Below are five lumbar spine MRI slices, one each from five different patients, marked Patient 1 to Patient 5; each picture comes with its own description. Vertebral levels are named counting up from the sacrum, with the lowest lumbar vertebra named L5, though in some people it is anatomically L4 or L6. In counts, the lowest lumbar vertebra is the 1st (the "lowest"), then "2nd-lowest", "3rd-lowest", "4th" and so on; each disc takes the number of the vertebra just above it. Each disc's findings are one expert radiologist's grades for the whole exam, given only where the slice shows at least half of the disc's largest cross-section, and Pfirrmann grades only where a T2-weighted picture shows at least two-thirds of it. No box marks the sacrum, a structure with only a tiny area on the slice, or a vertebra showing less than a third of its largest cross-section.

Patient 1 of 5:
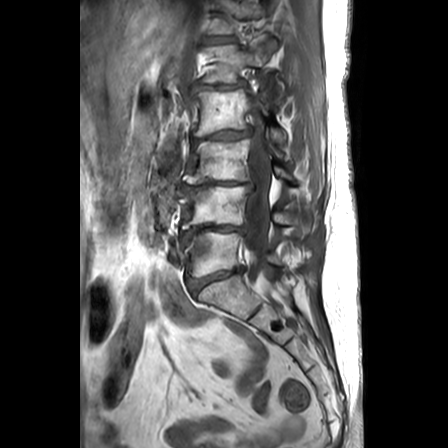 Sagittal T1-weighted lumbar spine MRI
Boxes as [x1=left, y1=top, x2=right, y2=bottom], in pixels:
- intervertebral disc L1/L2: [x1=192, y1=80, x2=248, y2=91]
- L2 vertebra: [x1=192, y1=89, x2=285, y2=144]
- T12/L1: [x1=209, y1=36, x2=234, y2=42]
- L5 vertebra: [x1=186, y1=231, x2=280, y2=277]
- T12 vertebra: [x1=211, y1=0, x2=266, y2=33]
- L4/L5: [x1=181, y1=226, x2=246, y2=242]
- L3 vertebra: [x1=183, y1=138, x2=293, y2=183]
- L1 vertebra: [x1=202, y1=40, x2=283, y2=100]
- L5/S1: [x1=188, y1=267, x2=243, y2=293]
- L2/L3: [x1=192, y1=126, x2=252, y2=147]
- L4: [x1=180, y1=185, x2=306, y2=232]
- intervertebral disc L3/L4: [x1=180, y1=181, x2=255, y2=194]
- spinal canal: [x1=245, y1=107, x2=273, y2=294]

Degenerative findings by level:
  L1/L2: disc bulging
  L5/S1: disc bulging, disc narrowing, lower-endplate change, upper-endplate change
  L4/L5: lower-endplate change, disc bulging, upper-endplate change, disc narrowing, Modic type II
  L2/L3: disc narrowing, lower-endplate change, upper-endplate change, disc bulging
  L3/L4: disc narrowing, disc bulging, Modic type II, lower-endplate change, upper-endplate change

Patient 2 of 5:
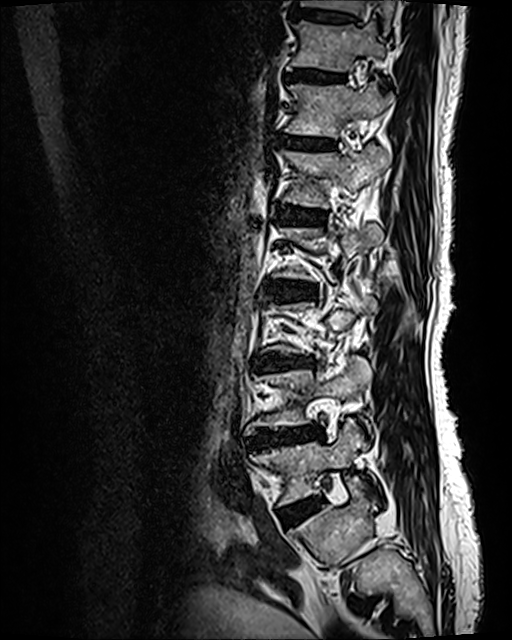 MRI lumbar spine (T2 SPACE (3D)), sagittal plane, Sex F
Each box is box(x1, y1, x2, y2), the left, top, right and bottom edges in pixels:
{"intervertebral disc L4/L5": "box(252, 427, 322, 446)", "intervertebral disc T11/T12": "box(287, 69, 342, 79)", "L5": "box(253, 420, 379, 504)", "L4": "box(246, 355, 370, 434)", "T10/T11": "box(291, 10, 353, 21)", "L3/L4": "box(254, 352, 312, 369)", "L2/L3": "box(269, 282, 315, 299)", "L1/L2": "box(276, 205, 325, 224)", "T11 vertebra": "box(290, 21, 384, 72)", "intervertebral disc T12/L1": "box(281, 135, 334, 149)", "T10 vertebra": "box(300, 0, 394, 33)", "L1 vertebra": "box(280, 142, 390, 208)", "T12 vertebra": "box(284, 81, 393, 137)", "L5/S1": "box(288, 498, 320, 523)"}

Radiological gradings:
  L1/L2: lower-endplate change, upper-endplate change, Modic type II
  T11/T12: Modic type II, lower-endplate change, upper-endplate change
  T10/T11: Pfirrmann grade 2, upper-endplate change, lower-endplate change
  L3/L4: disc narrowing, upper-endplate change, Modic type II, disc bulging, lower-endplate change
  T12/L1: Pfirrmann grade 2, Modic type II, lower-endplate change, upper-endplate change
  L4/L5: Pfirrmann grade 4, disc narrowing, Modic type II, disc bulging, lower-endplate change, upper-endplate change

Patient 3 of 5:
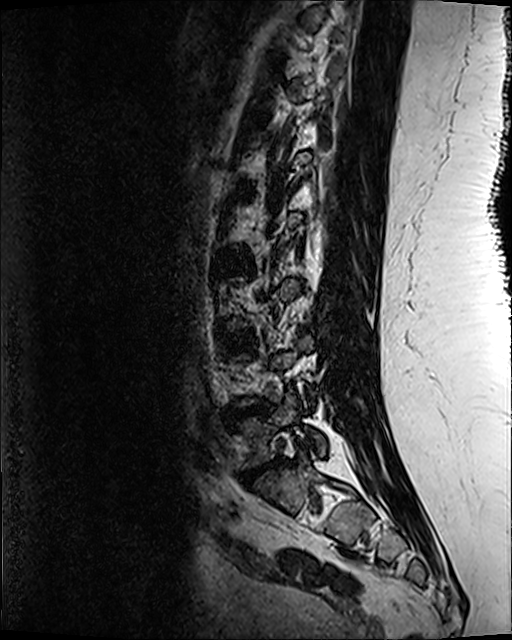
MRI lumbar spine (T2 SPACE (3D)), sagittal plane, Field of view 240x300 mm, slice spacing 0.9 mm, Image 512x640, Sex F

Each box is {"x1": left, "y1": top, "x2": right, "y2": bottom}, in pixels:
{"lowest disc": {"x1": 242, "y1": 459, "x2": 285, "y2": 482}, "lowest vertebra": {"x1": 240, "y1": 392, "x2": 326, "y2": 465}, "2nd-lowest disc": {"x1": 229, "y1": 403, "x2": 269, "y2": 416}, "3rd-lowest disc": {"x1": 223, "y1": 334, "x2": 248, "y2": 349}, "4th disc": {"x1": 221, "y1": 255, "x2": 252, "y2": 271}}

Patient 4 of 5:
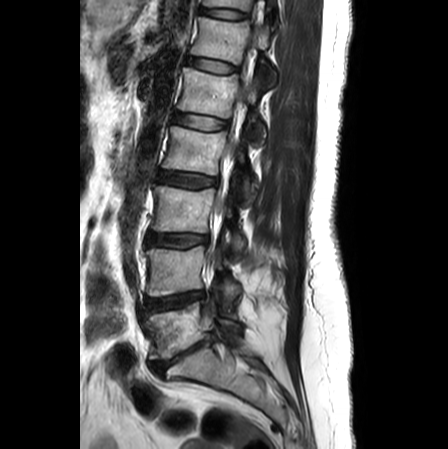 Sex F; Image 448x449; Sagittal slice index 15; MRI lumbar spine (T2-weighted), sagittal plane

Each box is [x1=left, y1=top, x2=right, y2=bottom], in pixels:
Segmented structures:
* intervertebral disc T12/L1 at [x1=188, y1=57, x2=238, y2=73]
* L5 at [x1=148, y1=300, x2=241, y2=359]
* intervertebral disc L2/L3 at [x1=159, y1=172, x2=217, y2=188]
* intervertebral disc T11/T12 at [x1=200, y1=7, x2=248, y2=18]
* L2 vertebra at [x1=163, y1=126, x2=256, y2=199]
* L4 vertebra at [x1=146, y1=246, x2=240, y2=305]
* L4/L5 at [x1=146, y1=291, x2=205, y2=311]
* T11 vertebra at [x1=203, y1=0, x2=252, y2=10]
* L3/L4 at [x1=148, y1=234, x2=208, y2=247]
* L1/L2 at [x1=174, y1=113, x2=228, y2=130]
* intervertebral disc L5/S1 at [x1=151, y1=338, x2=214, y2=374]
* L1 vertebra at [x1=178, y1=68, x2=267, y2=144]
* L3 vertebra at [x1=152, y1=185, x2=245, y2=256]
* T12 at [x1=191, y1=17, x2=277, y2=85]
* thecal sac / spinal canal at [x1=219, y1=78, x2=247, y2=214]

Expert MSK radiologist gradings (per disc):
• L3/L4: Pfirrmann grade 3, disc bulging
• L4/L5: Pfirrmann grade 4, disc bulging, disc narrowing
• L1/L2: Pfirrmann grade 1
• T12/L1: Pfirrmann grade 1
• T11/T12: Pfirrmann grade 1
• L2/L3: Pfirrmann grade 2, disc bulging

Patient 5 of 5:
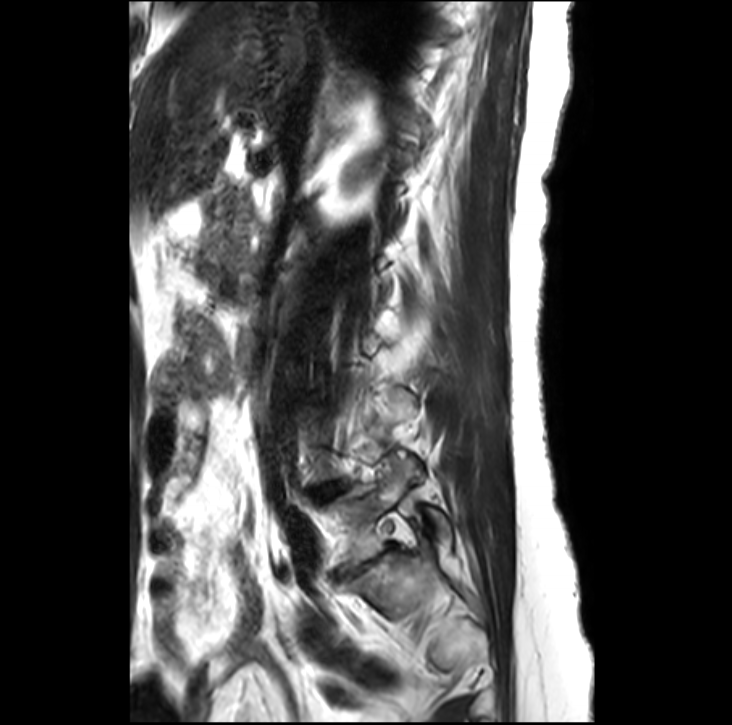
MRI lumbar spine (T2-weighted), sagittal plane | 732x725 px
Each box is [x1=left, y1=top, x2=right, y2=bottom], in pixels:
• lowest disc at [x1=341, y1=544, x2=395, y2=578]
• lowest vertebra at [x1=327, y1=456, x2=452, y2=568]